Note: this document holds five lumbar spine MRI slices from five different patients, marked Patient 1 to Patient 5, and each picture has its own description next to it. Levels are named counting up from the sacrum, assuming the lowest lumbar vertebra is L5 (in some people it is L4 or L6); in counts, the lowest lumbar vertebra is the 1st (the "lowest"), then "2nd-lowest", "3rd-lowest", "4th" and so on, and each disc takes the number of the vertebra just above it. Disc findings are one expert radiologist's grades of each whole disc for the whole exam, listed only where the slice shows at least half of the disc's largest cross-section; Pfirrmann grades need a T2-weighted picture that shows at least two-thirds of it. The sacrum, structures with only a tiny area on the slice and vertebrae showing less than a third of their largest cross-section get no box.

Patient 1 of 5:
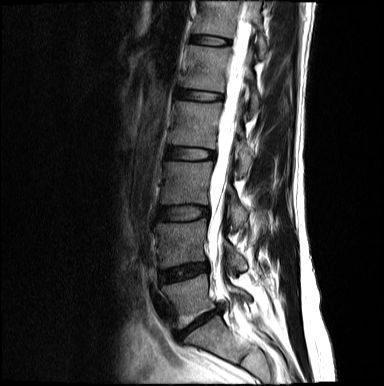 Sagittal slice index 10, T2-weighted sagittal MRI of the lumbar spine, 384x386 px

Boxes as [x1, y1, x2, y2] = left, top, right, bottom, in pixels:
3rd-lowest vertebra = [160, 162, 247, 227] | 2nd-lowest vertebra = [154, 219, 246, 270] | 3rd-lowest disc = [158, 206, 208, 220] | 6th disc = [192, 35, 230, 45] | 6th vertebra = [194, 0, 268, 58] | 4th vertebra = [170, 102, 253, 175] | 4th disc = [166, 146, 214, 160] | lowest vertebra = [162, 274, 249, 327] | thecal sac / spinal canal = [207, 14, 250, 323] | 5th vertebra = [184, 45, 259, 114] | 2nd-lowest disc = [161, 263, 207, 281] | 5th disc = [178, 90, 222, 101] | lowest disc = [177, 308, 221, 337]

Degenerative findings by level:
- 4th disc: Pfirrmann grade 2
- 2nd-lowest disc: Pfirrmann grade 4, disc narrowing, disc bulging
- lowest disc: Pfirrmann grade 5, lower-endplate change, disc narrowing, disc herniation
- 6th disc: Pfirrmann grade 2
- 3rd-lowest disc: Pfirrmann grade 2
- 5th disc: Pfirrmann grade 2, upper-endplate change

Patient 2 of 5:
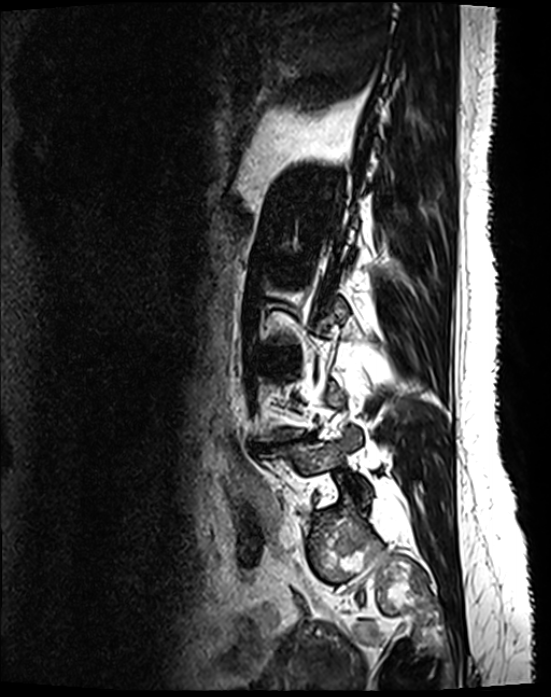
Image 551x697; Slice spacing 0.9 mm; MRI lumbar spine (T2 SPACE (3D)), sagittal plane
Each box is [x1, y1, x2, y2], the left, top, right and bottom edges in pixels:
L4/L5 (2nd-lowest disc) at [253, 436, 311, 450], L5 (lowest vertebra) at [261, 428, 369, 504].

Patient 3 of 5:
Slice spacing 3.3 mm, T2-weighted sagittal MRI of the lumbar spine, Patient sex: F, Sagittal slice index 21

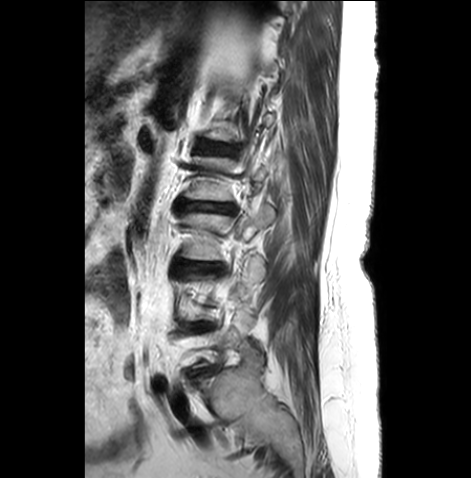 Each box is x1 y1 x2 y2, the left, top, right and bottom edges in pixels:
L3 vertebra: 181 205 275 261
intervertebral disc L1/L2: 199 142 235 153
intervertebral disc L2/L3: 178 201 234 212
L5/S1: 198 367 214 374
intervertebral disc L4/L5: 192 324 208 329
intervertebral disc L3/L4: 176 263 219 271

Degenerative findings by level:
  L1/L2: Modic type II, lower-endplate change, disc bulging, upper-endplate change
  L3/L4: disc bulging, disc narrowing, Modic type II
  L2/L3: Pfirrmann grade 5, disc bulging, Modic type II, upper-endplate change, disc narrowing, lower-endplate change

Patient 4 of 5:
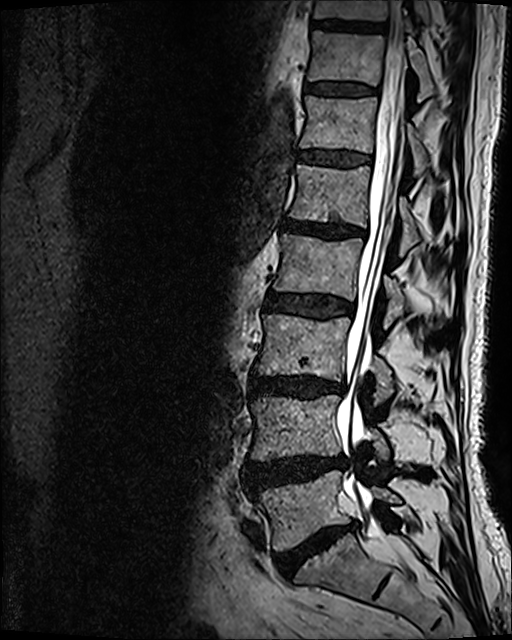

Slice 56 of 120, Sex M, MRI lumbar spine (T2 SPACE (3D)), sagittal plane

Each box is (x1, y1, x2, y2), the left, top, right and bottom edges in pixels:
{"L3/L4": "(251, 376, 345, 398)", "T12": "(301, 95, 427, 175)", "L5 vertebra": "(254, 470, 400, 550)", "T10 vertebra": "(312, 0, 430, 28)", "L4": "(251, 395, 389, 461)", "intervertebral disc L1/L2": "(283, 219, 365, 238)", "L4/L5": "(246, 454, 346, 490)", "T11": "(307, 31, 434, 101)", "T11/T12": "(306, 84, 375, 94)", "L2/L3": "(263, 291, 353, 320)", "thecal sac / spinal canal": "(335, 1, 406, 536)", "L1": "(289, 164, 419, 255)", "intervertebral disc T12/L1": "(298, 151, 371, 166)", "L5/S1": "(274, 523, 354, 577)", "T10/T11": "(313, 19, 385, 34)", "L3": "(256, 314, 393, 403)", "L2 vertebra": "(272, 234, 441, 328)"}

Radiological gradings:
  L4/L5: Pfirrmann grade 4, disc herniation, disc bulging
  T12/L1: Pfirrmann grade 3
  T11/T12: Pfirrmann grade 3
  L1/L2: Pfirrmann grade 4, lower-endplate change, upper-endplate change, disc bulging, disc narrowing, Modic type II
  L3/L4: Pfirrmann grade 4, disc bulging, lower-endplate change, Modic type II, disc narrowing
  L5/S1: Pfirrmann grade 5, Modic type II, disc bulging, lower-endplate change, disc narrowing
  L2/L3: Pfirrmann grade 3, disc bulging

Patient 5 of 5:
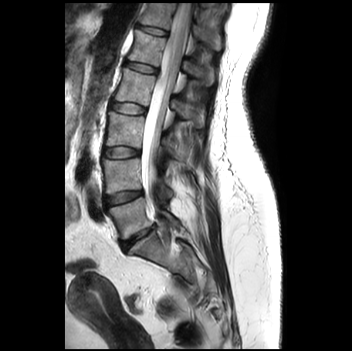 Patient sex: F, Sagittal T2-weighted lumbar spine MRI

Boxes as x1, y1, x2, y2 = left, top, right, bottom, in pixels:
6th vertebra at 139, 3, 221, 49; thecal sac / spinal canal at 141, 3, 191, 201; 2nd-lowest disc at 104, 191, 142, 207; 3rd-lowest disc at 104, 147, 139, 158; 6th disc at 136, 25, 167, 35; 5th vertebra at 128, 30, 213, 84; lowest vertebra at 108, 197, 178, 239; 4th vertebra at 114, 68, 204, 128; 5th disc at 125, 62, 158, 73; 2nd-lowest vertebra at 102, 159, 172, 202; 4th disc at 110, 101, 145, 113; lowest disc at 121, 226, 154, 249; 3rd-lowest vertebra at 105, 111, 192, 159.

Per-level radiological findings:
- 2nd-lowest disc: Pfirrmann grade 2
- lowest disc: lower-endplate change, disc narrowing, upper-endplate change, Modic type II
- 3rd-lowest disc: Pfirrmann grade 1
- 5th disc: Pfirrmann grade 1
- 6th disc: Pfirrmann grade 1
- 4th disc: Pfirrmann grade 1